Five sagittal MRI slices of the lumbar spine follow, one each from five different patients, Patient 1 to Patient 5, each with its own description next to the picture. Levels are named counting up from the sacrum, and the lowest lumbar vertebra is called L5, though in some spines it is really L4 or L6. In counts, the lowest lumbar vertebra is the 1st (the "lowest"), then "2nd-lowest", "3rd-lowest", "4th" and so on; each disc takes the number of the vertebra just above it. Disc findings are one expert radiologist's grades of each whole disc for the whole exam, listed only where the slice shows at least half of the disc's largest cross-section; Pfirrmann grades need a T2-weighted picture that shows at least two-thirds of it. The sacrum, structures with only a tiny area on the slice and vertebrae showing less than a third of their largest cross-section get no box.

Patient 1 of 5:
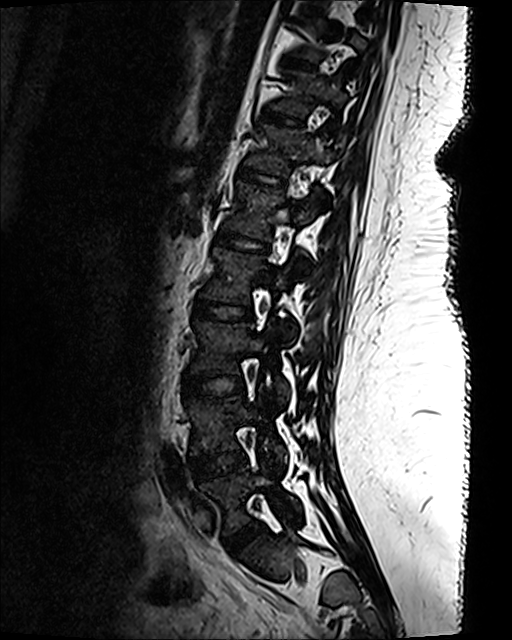 Image 512x640; Lumbar spine MR, T2 SPACE (3D), sagittal; Slice 76 of 120
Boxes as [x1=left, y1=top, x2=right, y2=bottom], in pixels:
* T12 (6th vertebra) at [x1=246, y1=124, x2=328, y2=203]
* T11/T12 (7th disc) at [x1=260, y1=109, x2=302, y2=125]
* IVD L5/S1 (lowest disc) at [x1=225, y1=521, x2=261, y2=553]
* L5 (lowest vertebra) at [x1=197, y1=461, x2=300, y2=531]
* L3/L4 (3rd-lowest disc) at [x1=183, y1=374, x2=243, y2=396]
* L1/L2 (5th disc) at [x1=215, y1=231, x2=266, y2=251]
* L4/L5 (2nd-lowest disc) at [x1=190, y1=450, x2=246, y2=479]
* L4 (2nd-lowest vertebra) at [x1=185, y1=396, x2=286, y2=464]
* T11 (7th vertebra) at [x1=271, y1=71, x2=345, y2=115]
* L1 (5th vertebra) at [x1=224, y1=181, x2=321, y2=272]
* L2/L3 (4th disc) at [x1=194, y1=299, x2=252, y2=319]
* T12/L1 (6th disc) at [x1=238, y1=168, x2=284, y2=185]
* IVD T10/T11 (8th disc) at [x1=282, y1=57, x2=316, y2=69]
* L3 (3rd-lowest vertebra) at [x1=190, y1=321, x2=288, y2=404]
* L2 (4th vertebra) at [x1=201, y1=247, x2=295, y2=339]
* T10 (8th vertebra) at [x1=290, y1=17, x2=365, y2=60]

Per-level radiological findings:
• L4/L5 (2nd-lowest disc): Pfirrmann grade 1
• L2/L3 (4th disc): Pfirrmann grade 1
• T12/L1 (6th disc): Pfirrmann grade 1
• L3/L4 (3rd-lowest disc): Pfirrmann grade 1
• L1/L2 (5th disc): Pfirrmann grade 1
• T11/T12 (7th disc): Pfirrmann grade 1

Patient 2 of 5:
Lumbar spine MR, T2-weighted, sagittal. Slice spacing 4.8 mm.

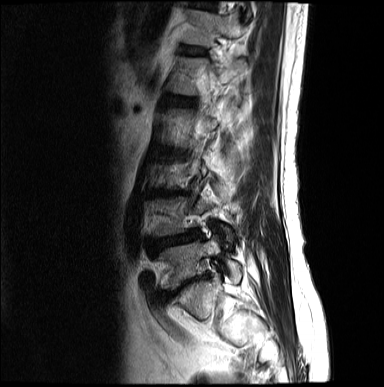
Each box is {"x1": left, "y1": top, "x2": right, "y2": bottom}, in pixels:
6th vertebra at {"x1": 183, "y1": 10, "x2": 243, "y2": 47}.
5th vertebra at {"x1": 169, "y1": 57, "x2": 246, "y2": 94}.
Lowest vertebra at {"x1": 158, "y1": 236, "x2": 242, "y2": 290}.
3rd-lowest disc at {"x1": 151, "y1": 190, "x2": 182, "y2": 196}.
6th disc at {"x1": 183, "y1": 46, "x2": 205, "y2": 54}.
2nd-lowest disc at {"x1": 149, "y1": 229, "x2": 200, "y2": 254}.
Lowest disc at {"x1": 167, "y1": 276, "x2": 206, "y2": 297}.
5th disc at {"x1": 169, "y1": 96, "x2": 195, "y2": 105}.

Degenerative findings by level:
- 2nd-lowest disc: Pfirrmann grade 4, lower-endplate change, disc bulging, disc narrowing, upper-endplate change

Patient 3 of 5:
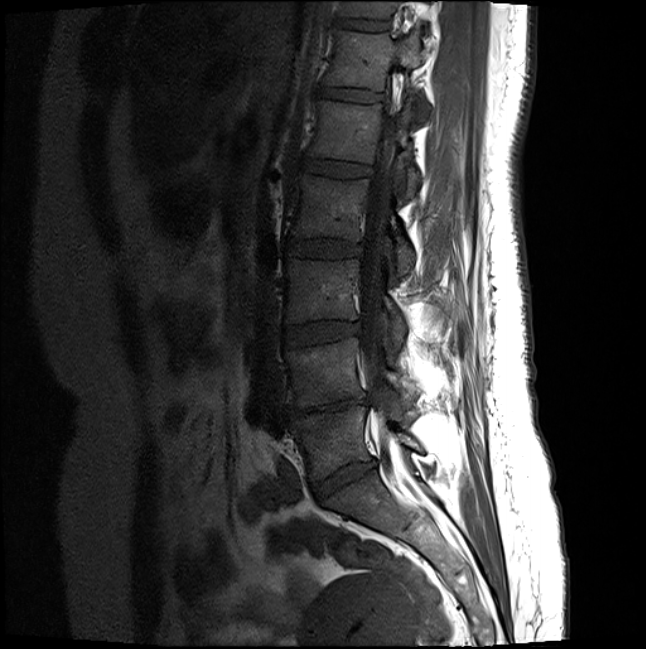 T1-weighted sagittal MRI of the lumbar spine
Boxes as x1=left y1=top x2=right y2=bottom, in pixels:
Spinal canal: x1=358 y1=117 x2=398 y2=454.
Intervertebral disc T11/T12: x1=337 y1=18 x2=387 y2=29.
L5/S1: x1=313 y1=460 x2=376 y2=501.
L4: x1=285 y1=337 x2=416 y2=406.
T12/L1: x1=319 y1=87 x2=381 y2=101.
T12: x1=325 y1=30 x2=428 y2=118.
L1 vertebra: x1=309 y1=100 x2=420 y2=197.
L3: x1=286 y1=257 x2=406 y2=347.
L2: x1=288 y1=173 x2=414 y2=276.
Intervertebral disc L4/L5: x1=285 y1=397 x2=369 y2=416.
T11: x1=341 y1=0 x2=396 y2=17.
L3/L4: x1=284 y1=321 x2=358 y2=344.
Intervertebral disc L1/L2: x1=299 y1=156 x2=371 y2=175.
L5 vertebra: x1=290 y1=406 x2=420 y2=480.
Intervertebral disc L2/L3: x1=285 y1=238 x2=361 y2=256.

Expert MSK radiologist gradings (per disc):
• L5/S1: disc narrowing, disc bulging
• L4/L5: upper-endplate change, disc bulging, lower-endplate change, Modic type II, disc narrowing
• L2/L3, T12/L1, T11/T12, L1/L2, L3/L4: no herniation, bulging, narrowing, spondylolisthesis, endplate or Modic change recorded

Patient 4 of 5:
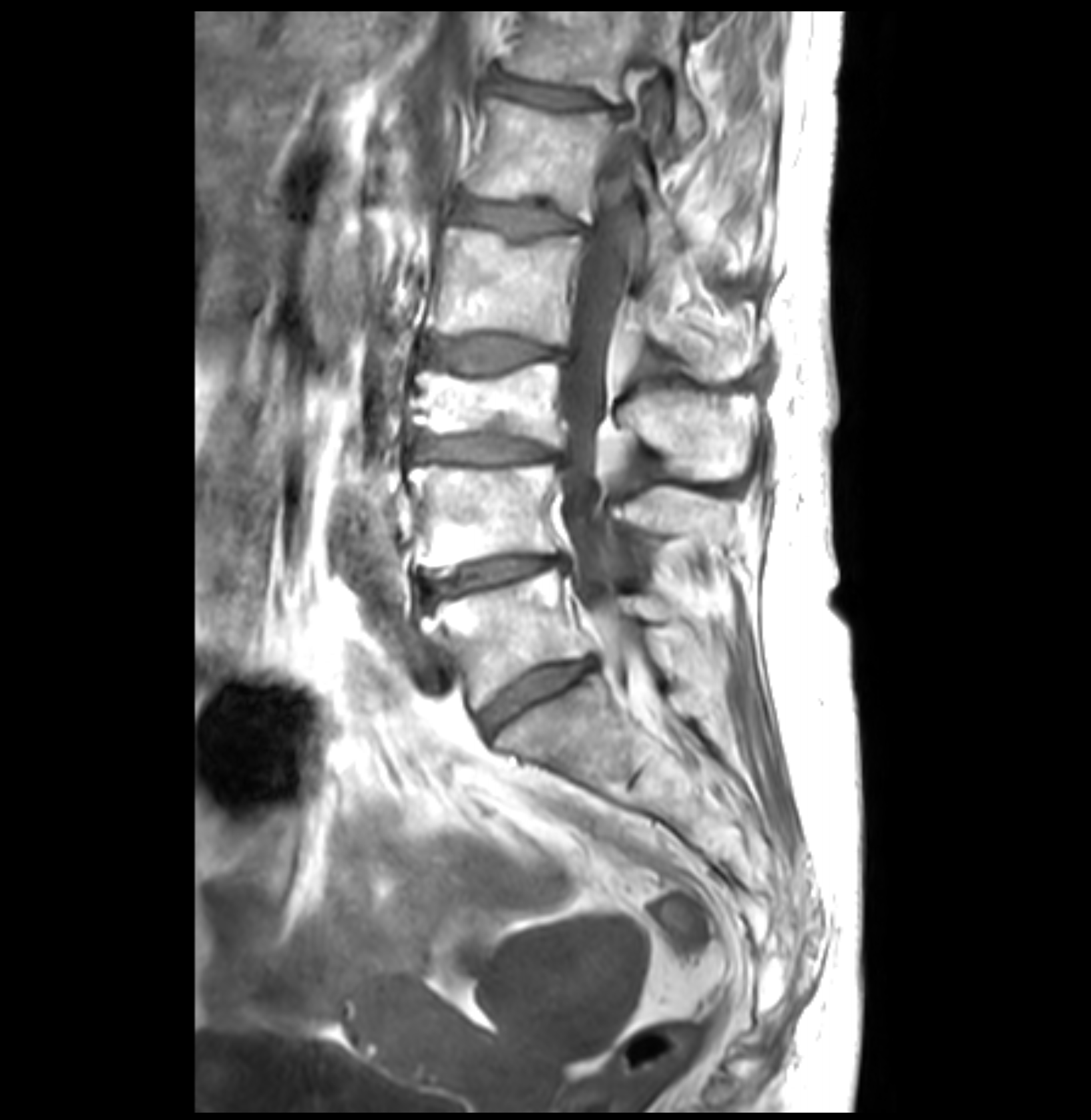 MRI lumbar spine (T1-weighted), sagittal plane; Image 1091x1120; Sagittal slice index 18
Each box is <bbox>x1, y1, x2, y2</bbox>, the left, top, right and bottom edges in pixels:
2nd-lowest vertebra: <bbox>409, 463, 732, 568</bbox>.
Lowest disc: <bbox>480, 659, 594, 734</bbox>.
Lowest vertebra: <bbox>421, 568, 676, 708</bbox>.
3rd-lowest disc: <bbox>409, 432, 564, 462</bbox>.
3rd-lowest vertebra: <bbox>409, 362, 754, 479</bbox>.
Spinal canal: <bbox>560, 19, 662, 610</bbox>.
5th disc: <bbox>460, 200, 589, 236</bbox>.
4th vertebra: <bbox>426, 228, 754, 383</bbox>.
5th vertebra: <bbox>467, 100, 681, 256</bbox>.
4th disc: <bbox>421, 334, 570, 371</bbox>.
6th disc: <bbox>482, 69, 630, 117</bbox>.
2nd-lowest disc: <bbox>419, 556, 567, 608</bbox>.
6th vertebra: <bbox>507, 11, 703, 146</bbox>.

Radiological gradings:
• 2nd-lowest disc: disc narrowing, Modic type II, disc bulging
• 3rd-lowest disc: disc bulging, Modic type II, disc narrowing, upper-endplate change
• lowest disc: disc bulging
• 4th disc: disc bulging, Modic type II
• 6th disc: upper-endplate change, disc bulging
• 5th disc: upper-endplate change, lower-endplate change

Patient 5 of 5:
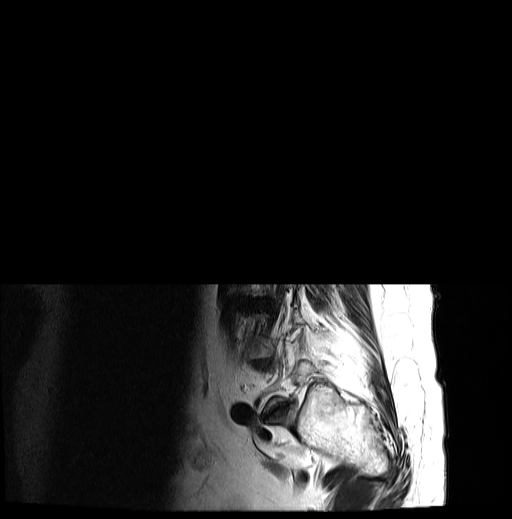 Field of view 300x304 mm, slice spacing 3.2 mm, Lumbar spine MR, T2-weighted, sagittal
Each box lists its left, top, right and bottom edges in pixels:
lowest disc: left=266, top=407, right=284, bottom=422
2nd-lowest disc: left=255, top=360, right=270, bottom=366
3rd-lowest disc: left=250, top=300, right=264, bottom=307